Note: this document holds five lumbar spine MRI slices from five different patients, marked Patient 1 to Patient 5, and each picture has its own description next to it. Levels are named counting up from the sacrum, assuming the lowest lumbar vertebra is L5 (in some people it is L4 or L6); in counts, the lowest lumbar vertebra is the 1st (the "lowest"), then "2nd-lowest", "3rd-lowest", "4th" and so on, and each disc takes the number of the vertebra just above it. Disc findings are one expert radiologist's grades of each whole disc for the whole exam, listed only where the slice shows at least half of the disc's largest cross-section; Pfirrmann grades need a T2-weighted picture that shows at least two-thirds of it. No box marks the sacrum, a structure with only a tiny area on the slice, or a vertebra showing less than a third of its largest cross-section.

Patient 1 of 5:
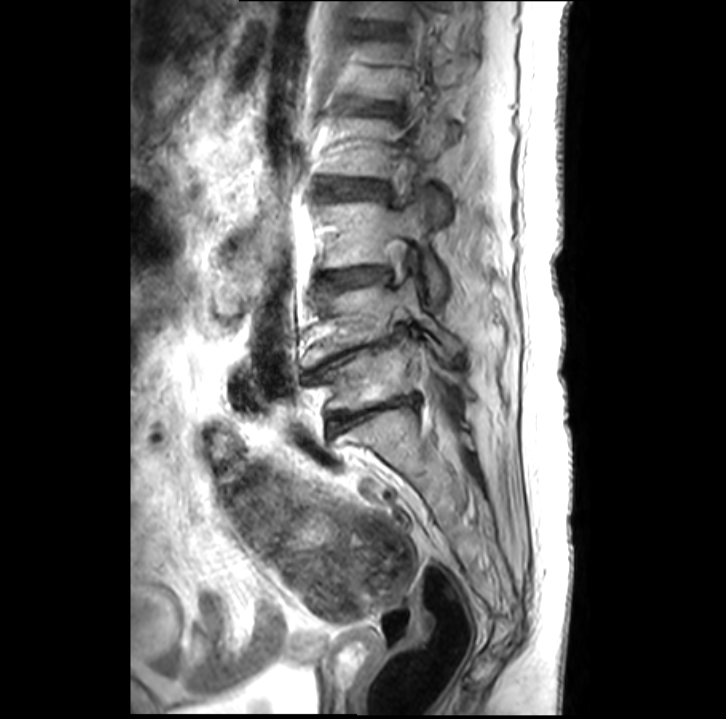 Patient sex: F | Sagittal T2-weighted lumbar spine MRI
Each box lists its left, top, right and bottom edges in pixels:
Annotations:
- L1/L2 — left=373, top=105, right=392, bottom=113
- L2 — left=328, top=116, right=458, bottom=221
- L5 vertebra — left=322, top=335, right=471, bottom=409
- IVD L2/L3 — left=322, top=179, right=378, bottom=197
- IVD L4/L5 — left=307, top=327, right=402, bottom=375
- IVD L3/L4 — left=325, top=268, right=383, bottom=286
- L4 vertebra — left=303, top=277, right=462, bottom=363
- L3 vertebra — left=317, top=192, right=445, bottom=303
- L5/S1 — left=331, top=395, right=417, bottom=431

Radiological gradings:
- L3/L4: disc narrowing, Modic type II
- L4/L5: disc narrowing
- L5/S1: Pfirrmann grade 5, disc narrowing, Modic type II
- L2/L3: no herniation, bulging, narrowing, spondylolisthesis, endplate or Modic change recorded

Patient 2 of 5:
T2-weighted sagittal MRI of the lumbar spine.

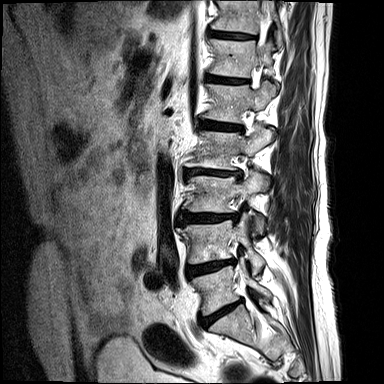
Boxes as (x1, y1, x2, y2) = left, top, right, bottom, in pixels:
T12 (6th vertebra): (210, 38, 273, 77)
L5/S1 (lowest disc): (200, 300, 241, 327)
T11/T12 (7th disc): (209, 30, 253, 39)
L2 (4th vertebra): (186, 124, 273, 169)
disc L1/L2 (5th disc): (199, 119, 241, 130)
disc T12/L1 (6th disc): (206, 74, 246, 83)
L4 (2nd-lowest vertebra): (177, 212, 264, 273)
L5 (lowest vertebra): (191, 259, 270, 316)
L1 (5th vertebra): (202, 81, 276, 122)
T11 (7th vertebra): (210, 0, 283, 48)
L2/L3 (4th disc): (184, 168, 240, 179)
L4/L5 (2nd-lowest disc): (186, 259, 233, 278)
disc L3/L4 (3rd-lowest disc): (178, 212, 236, 225)
L3 (3rd-lowest vertebra): (187, 169, 267, 236)

Per-level radiological findings:
• T12/L1 (6th disc): Pfirrmann grade 4, disc narrowing, Modic type II
• L4/L5 (2nd-lowest disc): Pfirrmann grade 4, disc bulging, Modic type II, lower-endplate change, disc narrowing
• L2/L3 (4th disc): Pfirrmann grade 4, disc narrowing, disc herniation, Modic type II, lower-endplate change
• L1/L2 (5th disc): Pfirrmann grade 4, disc bulging, disc narrowing, lower-endplate change, Modic type II
• L5/S1 (lowest disc): Modic type II, disc bulging, disc narrowing
• L3/L4 (3rd-lowest disc): Pfirrmann grade 4, upper-endplate change, lower-endplate change, disc narrowing, Modic type II, disc herniation
• T11/T12 (7th disc): Pfirrmann grade 4, Modic type II, upper-endplate change, lower-endplate change, disc narrowing

Patient 3 of 5:
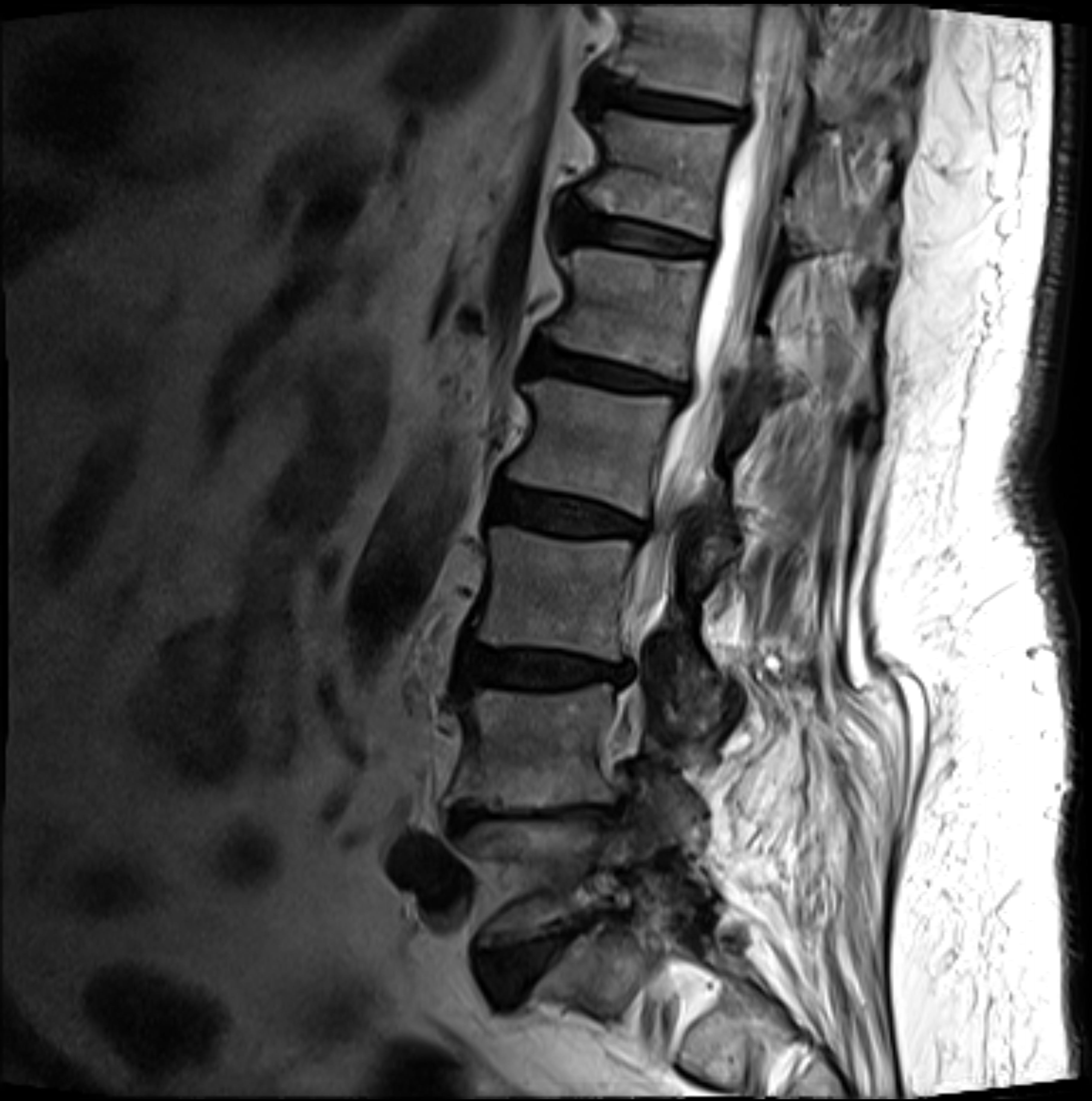 Sagittal slice index 4. Sex M. Lumbar spine MR, T2-weighted, sagittal.

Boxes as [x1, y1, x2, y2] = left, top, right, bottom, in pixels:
4th disc at [495, 490, 639, 538], lowest vertebra at [461, 815, 705, 947], 2nd-lowest disc at [449, 804, 620, 838], 2nd-lowest vertebra at [458, 685, 699, 837], lowest disc at [483, 914, 605, 1007], 3rd-lowest disc at [461, 650, 628, 692], spinal canal at [628, 6, 799, 717], 4th vertebra at [500, 380, 802, 567], 7th disc at [594, 82, 736, 122], 6th vertebra at [580, 115, 893, 268], 7th vertebra at [606, 6, 910, 145], 6th disc at [563, 214, 705, 255], 3rd-lowest vertebra at [472, 527, 708, 721], 5th vertebra at [543, 252, 878, 415], 5th disc at [529, 347, 674, 395].

Per-level radiological findings:
- lowest disc: upper-endplate change, disc narrowing, lower-endplate change, Modic type II, disc bulging
- 5th disc: Pfirrmann grade 4, Modic type II, disc bulging, upper-endplate change, lower-endplate change
- 6th disc: Pfirrmann grade 3, upper-endplate change, lower-endplate change, Modic type II
- 7th disc: Pfirrmann grade 4, upper-endplate change, lower-endplate change, disc bulging, Modic type II
- 3rd-lowest disc: Pfirrmann grade 3, Modic type II, lower-endplate change, disc narrowing, upper-endplate change, disc bulging
- 4th disc: Pfirrmann grade 3, lower-endplate change, upper-endplate change, disc bulging, Modic type II
- 2nd-lowest disc: Pfirrmann grade 5, disc bulging, lower-endplate change, disc narrowing, upper-endplate change, Modic type II

Patient 4 of 5:
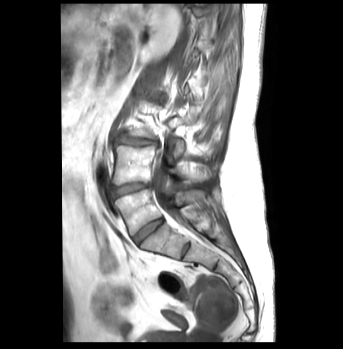

Slice 26/43; T1-weighted sagittal MRI of the lumbar spine; Sex F
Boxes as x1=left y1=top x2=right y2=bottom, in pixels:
{"L4/L5": "x1=110 y1=182 x2=149 y2=198", "L5 vertebra": "x1=115 y1=190 x2=205 y2=235", "thecal sac / spinal canal": "x1=153 y1=154 x2=179 y2=221", "IVD L5/S1": "x1=133 y1=218 x2=163 y2=243", "L3/L4": "x1=117 y1=133 x2=157 y2=145", "L4": "x1=113 y1=145 x2=208 y2=185"}

Degenerative findings by level:
  L4/L5: disc narrowing, lower-endplate change, disc bulging, Modic type II
  L3/L4: disc bulging, Modic type II
  L5/S1: no spondylolisthesis, narrowing, bulging, herniation, Modic or endplate change recorded

Patient 5 of 5:
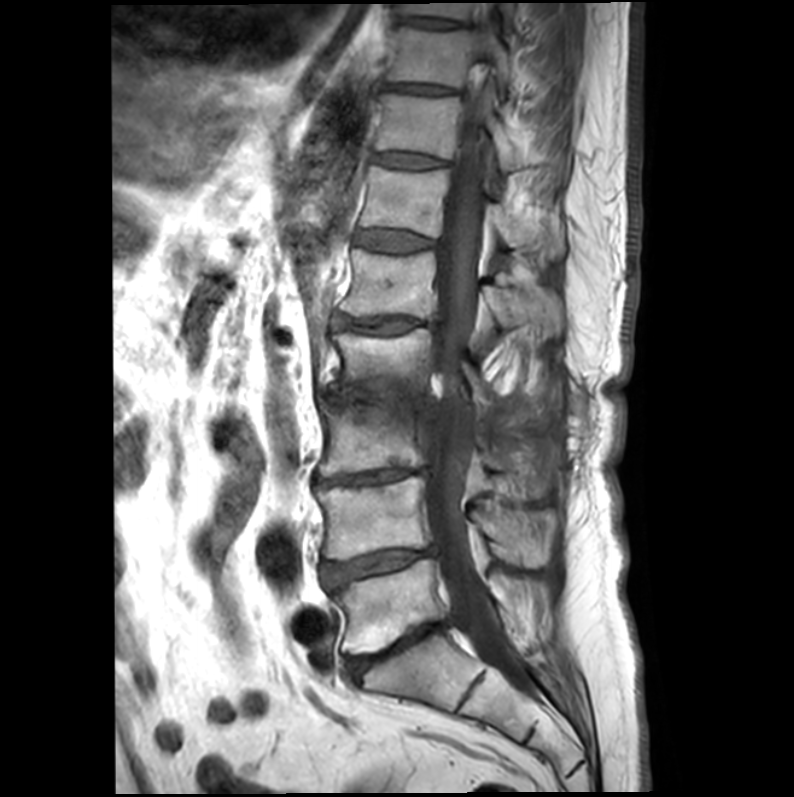 Lumbar spine MR, T1-weighted, sagittal, Sex M
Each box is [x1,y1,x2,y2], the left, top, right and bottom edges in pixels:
Segmented structures:
* 9th vertebra = [400,3,516,21]
* 7th vertebra = [374,94,565,177]
* 3rd-lowest vertebra = [319,403,494,477]
* 8th vertebra = [386,27,511,90]
* spinal canal = [419,54,523,688]
* lowest vertebra = [332,559,517,652]
* 5th vertebra = [340,249,563,335]
* 2nd-lowest disc = [320,545,436,589]
* 3rd-lowest disc = [315,467,425,487]
* 5th disc = [333,316,420,333]
* 6th vertebra = [358,165,524,251]
* 4th disc = [326,393,429,411]
* 9th disc = [398,18,461,28]
* 7th disc = [374,153,446,168]
* lowest disc = [348,622,444,676]
* 2nd-lowest vertebra = [316,477,558,567]
* 6th disc = [354,230,435,253]
* 8th disc = [384,85,452,95]
* 4th vertebra = [329,329,493,408]

Expert MSK radiologist gradings (per disc):
  2nd-lowest disc: upper-endplate change, disc bulging, disc narrowing, Modic type II, lower-endplate change
  4th disc: Modic type II, disc bulging, lower-endplate change, disc narrowing, upper-endplate change
  3rd-lowest disc: lower-endplate change, Modic type II, upper-endplate change, disc narrowing, disc bulging
  lowest disc: disc bulging, Modic type II, upper-endplate change, disc narrowing, lower-endplate change
  5th disc: upper-endplate change, disc narrowing, Modic type II, disc bulging, lower-endplate change
  7th disc, 6th disc, 9th disc, 8th disc: no Modic or endplate change, herniation, narrowing, bulging or spondylolisthesis recorded